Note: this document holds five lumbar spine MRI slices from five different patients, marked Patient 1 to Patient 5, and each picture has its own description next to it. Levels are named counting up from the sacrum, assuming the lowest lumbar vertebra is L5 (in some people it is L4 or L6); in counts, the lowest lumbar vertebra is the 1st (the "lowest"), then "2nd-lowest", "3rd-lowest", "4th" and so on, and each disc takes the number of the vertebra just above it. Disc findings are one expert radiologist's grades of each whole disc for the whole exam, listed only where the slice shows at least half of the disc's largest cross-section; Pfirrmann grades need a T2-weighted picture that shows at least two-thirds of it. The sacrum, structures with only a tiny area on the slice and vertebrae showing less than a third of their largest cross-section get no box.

Patient 1 of 5:
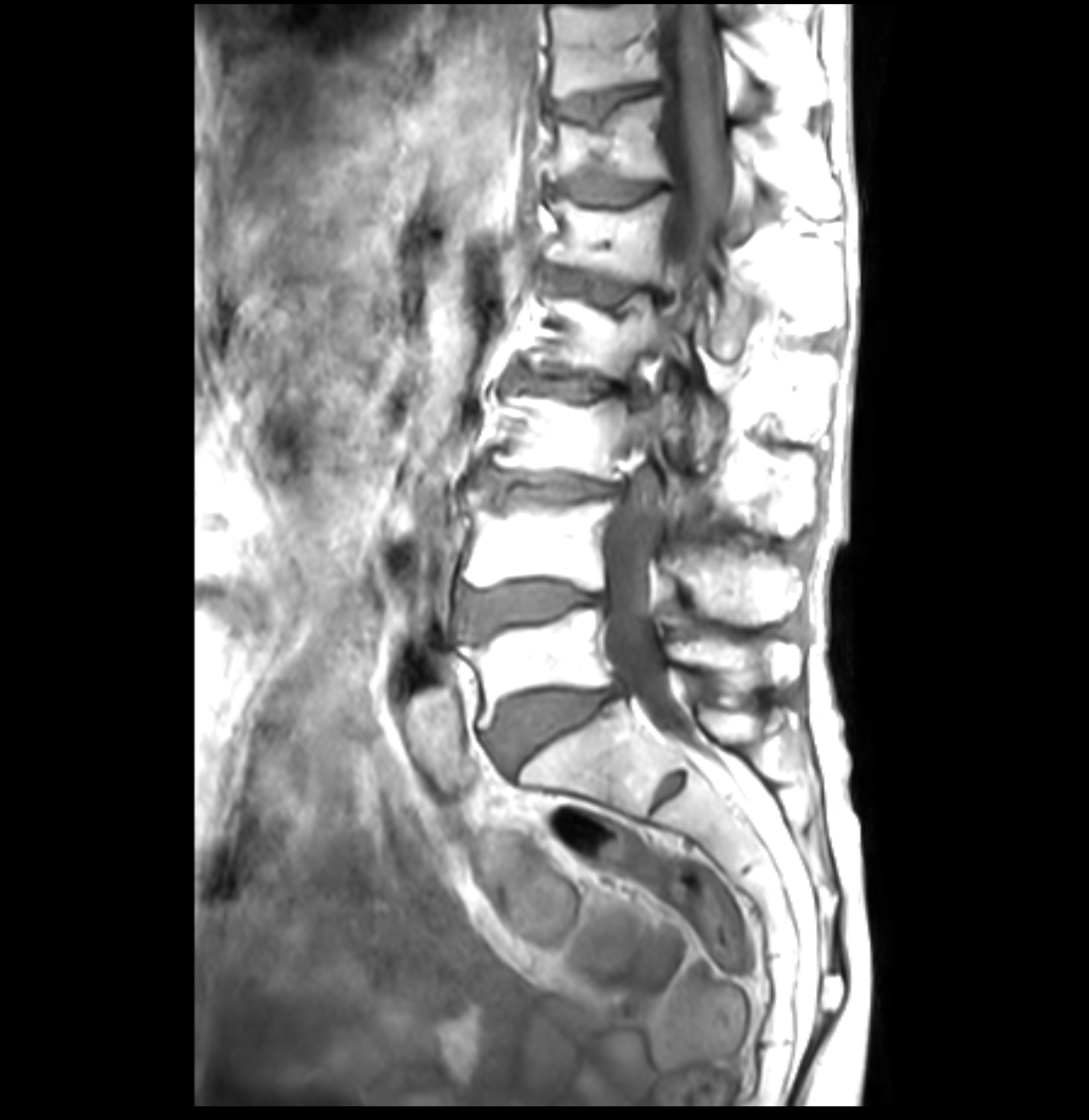
Sex F, MRI lumbar spine (T1-weighted), sagittal plane

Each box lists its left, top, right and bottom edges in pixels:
Intervertebral disc L4/L5 (2nd-lowest disc) — left=459, top=581, right=610, bottom=638.
Intervertebral disc T12/L1 (6th disc) — left=554, top=164, right=663, bottom=204.
T12 (6th vertebra) — left=547, top=95, right=841, bottom=216.
L2/L3 (4th disc) — left=513, top=365, right=646, bottom=405.
L5 (lowest vertebra) — left=459, top=609, right=800, bottom=728.
L3 (3rd-lowest vertebra) — left=499, top=394, right=816, bottom=534.
Intervertebral disc L5/S1 (lowest disc) — left=491, top=686, right=622, bottom=770.
Intervertebral disc T11/T12 (7th disc) — left=557, top=85, right=663, bottom=122.
L1/L2 (5th disc) — left=545, top=267, right=671, bottom=302.
T11 (7th vertebra) — left=552, top=3, right=831, bottom=104.
L4 (2nd-lowest vertebra) — left=462, top=487, right=804, bottom=623.
L1 (5th vertebra) — left=549, top=192, right=841, bottom=354.
L3/L4 (3rd-lowest disc) — left=481, top=469, right=627, bottom=502.
L2 (4th vertebra) — left=532, top=296, right=829, bottom=459.
Spinal canal — left=605, top=4, right=731, bottom=734.

Expert MSK radiologist gradings (per disc):
- L2/L3 (4th disc): Modic type II, upper-endplate change, disc bulging, disc narrowing, lower-endplate change
- L4/L5 (2nd-lowest disc): lower-endplate change, upper-endplate change, Modic type II, disc bulging
- L3/L4 (3rd-lowest disc): disc bulging, Modic type II, lower-endplate change, disc narrowing, upper-endplate change
- T12/L1 (6th disc): lower-endplate change, upper-endplate change, Modic type II
- T11/T12 (7th disc): lower-endplate change, Modic type II, upper-endplate change
- L5/S1 (lowest disc): disc bulging, upper-endplate change, Modic type II, lower-endplate change

Patient 2 of 5:
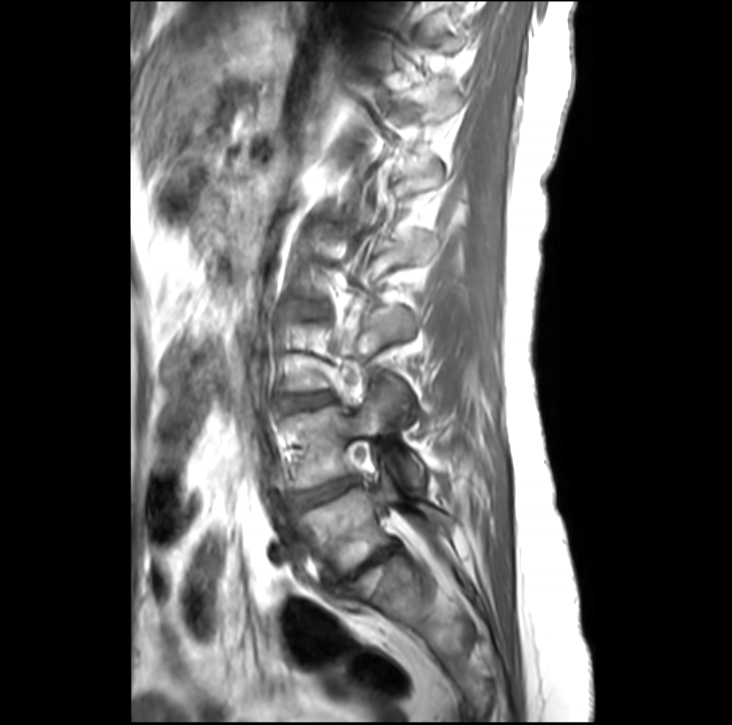

Lumbar spine MR, T1-weighted, sagittal

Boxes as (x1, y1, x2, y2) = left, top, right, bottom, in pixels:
{"L3/L4": "(283, 395, 331, 408)", "disc L5/S1": "(325, 541, 400, 591)", "L4/L5": "(292, 478, 359, 508)", "L4": "(289, 374, 424, 487)", "L5": "(303, 475, 452, 575)"}

Radiological gradings:
• L4/L5: disc bulging
• L5/S1: disc bulging, Modic type II, lower-endplate change, disc narrowing, upper-endplate change

Patient 3 of 5:
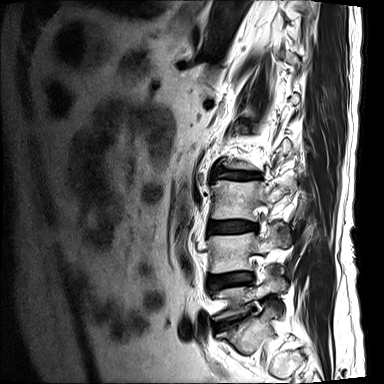 MRI lumbar spine (T2-weighted), sagittal plane
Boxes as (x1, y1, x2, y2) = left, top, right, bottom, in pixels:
* 2nd-lowest vertebra: (208, 225, 289, 290)
* lowest vertebra: (214, 276, 280, 319)
* 3rd-lowest disc: (208, 221, 257, 233)
* 2nd-lowest disc: (209, 272, 253, 288)
* lowest disc: (217, 317, 245, 328)
* 4th disc: (215, 172, 255, 179)
* 3rd-lowest vertebra: (211, 179, 295, 230)

Per-level radiological findings:
  4th disc: disc narrowing, lower-endplate change, disc bulging, upper-endplate change, Modic type II
  3rd-lowest disc: Pfirrmann grade 4, disc bulging, Modic type II, lower-endplate change, upper-endplate change
  2nd-lowest disc: Pfirrmann grade 4, disc narrowing, Modic type II, disc bulging, upper-endplate change, lower-endplate change

Patient 4 of 5:
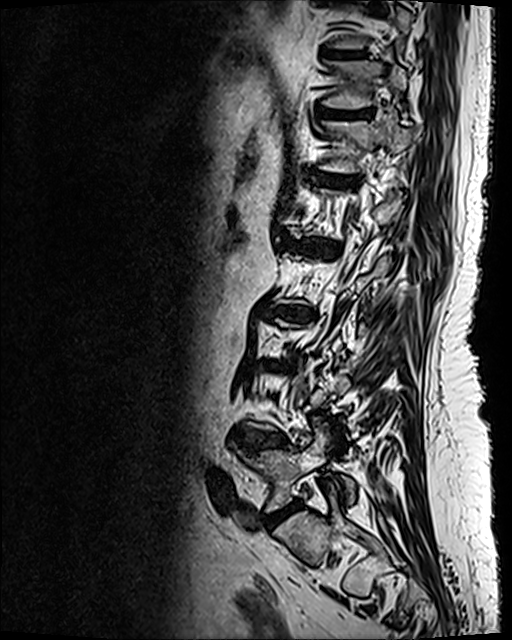 MRI lumbar spine (T2 SPACE (3D)), sagittal plane
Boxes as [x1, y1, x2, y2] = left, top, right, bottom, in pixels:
Segmented structures:
* lowest disc — [268, 504, 297, 526]
* 6th vertebra — [320, 121, 417, 172]
* 4th disc — [263, 306, 315, 320]
* 2nd-lowest disc — [237, 432, 286, 450]
* 8th disc — [326, 51, 362, 57]
* 7th vertebra — [322, 60, 407, 108]
* 6th disc — [319, 175, 357, 184]
* 7th disc — [326, 111, 371, 118]
* lowest vertebra — [238, 426, 354, 511]
* 5th disc — [288, 241, 339, 256]

Radiological gradings:
• 2nd-lowest disc: upper-endplate change, disc bulging, lower-endplate change
• 4th disc: disc narrowing, lower-endplate change, Modic type II, upper-endplate change, disc bulging
• 7th disc: upper-endplate change, lower-endplate change
• 5th disc: Pfirrmann grade 5, upper-endplate change, lower-endplate change, disc narrowing, disc bulging, Modic type II

Patient 5 of 5:
Slice 79/154 | Sex F | Sagittal T2 SPACE (3D) lumbar spine MRI | Slice spacing 0.9 mm | Image 512x657
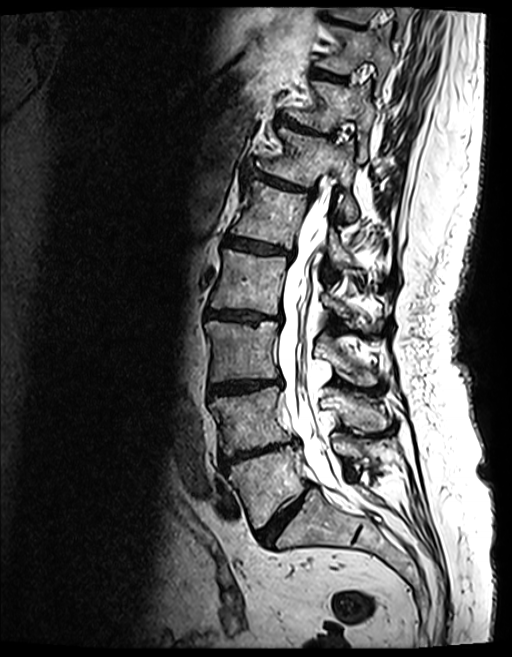

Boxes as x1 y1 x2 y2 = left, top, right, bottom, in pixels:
IVD L3/L4 at 209 378 281 396 | L1/L2 at 225 237 291 256 | IVD T11/T12 at 278 114 333 139 | L4 at 210 387 388 455 | L5 vertebra at 228 437 395 528 | L4/L5 at 221 439 297 470 | L2 at 212 250 350 316 | T11 at 288 81 376 154 | T10 at 316 25 395 75 | T10/T11 at 311 68 346 82 | L1 vertebra at 231 181 353 268 | thecal sac / spinal canal at 278 178 360 502 | L3 at 205 321 380 384 | T12 at 256 127 357 221 | T9/T10 at 334 18 359 27 | IVD L5/S1 at 256 484 311 545 | T9 vertebra at 331 6 410 29 | T12/L1 at 248 170 314 197 | IVD L2/L3 at 206 308 281 323

Expert MSK radiologist gradings (per disc):
• T10/T11: upper-endplate change, lower-endplate change, Modic type II
• L5/S1: Pfirrmann grade 4, disc narrowing, disc bulging
• L4/L5: Pfirrmann grade 5, lower-endplate change, disc bulging, upper-endplate change, disc narrowing, Modic type II
• T11/T12: Pfirrmann grade 5, disc bulging, lower-endplate change, disc narrowing, upper-endplate change, Modic type II
• L2/L3: Pfirrmann grade 4, lower-endplate change, upper-endplate change, disc bulging, disc narrowing, Modic type II
• L3/L4: Pfirrmann grade 4, Modic type II, disc bulging, disc narrowing, lower-endplate change, upper-endplate change
• T12/L1: Pfirrmann grade 4, disc bulging, upper-endplate change, lower-endplate change, Modic type II, disc narrowing
• L1/L2: Pfirrmann grade 4, Modic type II, upper-endplate change, lower-endplate change, disc bulging, disc narrowing